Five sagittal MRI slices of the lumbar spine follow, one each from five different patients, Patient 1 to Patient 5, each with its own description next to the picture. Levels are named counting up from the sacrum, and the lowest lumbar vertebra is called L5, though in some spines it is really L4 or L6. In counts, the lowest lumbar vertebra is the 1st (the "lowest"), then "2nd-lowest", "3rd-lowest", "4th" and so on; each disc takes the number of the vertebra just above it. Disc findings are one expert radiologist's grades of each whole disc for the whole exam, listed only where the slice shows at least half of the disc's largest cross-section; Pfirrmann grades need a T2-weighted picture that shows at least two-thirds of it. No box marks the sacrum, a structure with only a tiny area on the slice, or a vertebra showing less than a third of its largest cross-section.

Patient 1 of 5:
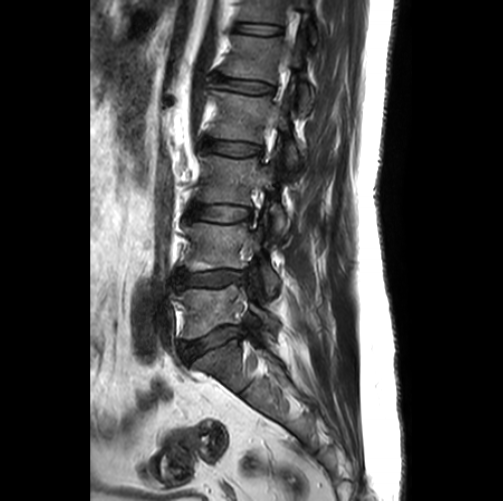 Image 503x501; Sagittal T2-weighted lumbar spine MRI; Sagittal slice index 9; Sex M
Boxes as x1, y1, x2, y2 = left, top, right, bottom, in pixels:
T12/L1 — 234, 23, 279, 34.
T12 vertebra — 239, 0, 317, 50.
IVD L4/L5 — 176, 270, 244, 288.
IVD L3/L4 — 187, 203, 251, 221.
L4 vertebra — 184, 213, 279, 295.
L5/S1 — 179, 327, 243, 364.
L1/L2 — 215, 75, 271, 93.
L2 — 210, 86, 301, 169.
L3 vertebra — 196, 151, 286, 235.
L2/L3 — 201, 139, 260, 156.
L1 vertebra — 222, 29, 315, 114.
L5 — 176, 281, 277, 338.

Degenerative findings by level:
  L2/L3: Pfirrmann grade 2
  L5/S1: Pfirrmann grade 3, disc bulging, disc narrowing
  L4/L5: Pfirrmann grade 3, disc narrowing, disc bulging, Modic type II, lower-endplate change, upper-endplate change
  T12/L1: Pfirrmann grade 1
  L1/L2: Pfirrmann grade 2
  L3/L4: Pfirrmann grade 2

Patient 2 of 5:
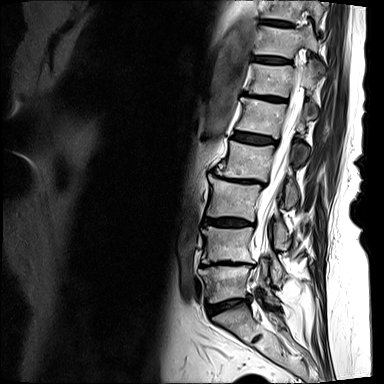 Lumbar spine MR, T2-weighted, sagittal | Slice spacing 4.8 mm

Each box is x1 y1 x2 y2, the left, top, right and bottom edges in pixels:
L1 vertebra: 236 97 309 159
T12 vertebra: 249 61 317 97
L5/S1: 206 296 250 315
L5: 199 265 277 302
IVD L2/L3: 223 178 256 182
IVD T12/L1: 246 93 284 100
T10 vertebra: 261 0 324 24
IVD L1/L2: 234 132 274 144
T10/T11: 262 20 291 25
IVD T11/T12: 254 57 289 63
L4/L5: 202 261 252 265
T11: 255 23 318 58
thecal sac / spinal canal: 254 79 301 259
L2 vertebra: 217 140 298 207
L4: 202 226 283 283
IVD L3/L4: 204 218 254 226
L3: 206 174 289 247

Per-level radiological findings:
  L2/L3: lower-endplate change, Modic type II, upper-endplate change, disc bulging, disc narrowing, spondylolisthesis
  L3/L4: Pfirrmann grade 4, lower-endplate change, disc bulging, upper-endplate change
  T11/T12: Pfirrmann grade 4
  L4/L5: Pfirrmann grade 5, disc narrowing, upper-endplate change, disc bulging, Modic type II, lower-endplate change
  T12/L1: Pfirrmann grade 5, upper-endplate change, lower-endplate change, Modic type II, disc narrowing, disc bulging
  L1/L2: Pfirrmann grade 4, lower-endplate change, disc bulging, upper-endplate change
  L5/S1: Pfirrmann grade 3, lower-endplate change, Modic type II, upper-endplate change, disc narrowing, disc bulging
  T10/T11: no herniation, bulging, narrowing, spondylolisthesis, endplate or Modic change recorded

Patient 3 of 5:
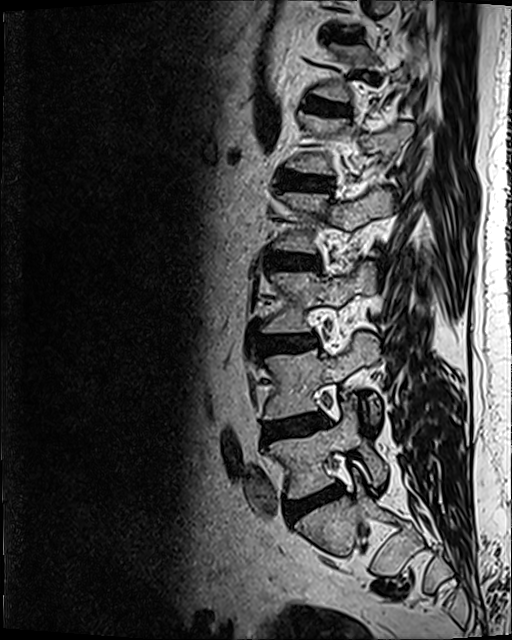 T2 SPACE (3D) sagittal MRI of the lumbar spine, 512x640 px
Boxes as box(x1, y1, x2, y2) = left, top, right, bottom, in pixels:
Structures:
* intervertebral disc L4/L5: box(264, 413, 327, 441)
* T11/T12: box(331, 34, 357, 40)
* L4 vertebra: box(261, 332, 379, 421)
* T12/L1: box(301, 98, 346, 114)
* L1/L2: box(277, 170, 332, 191)
* intervertebral disc L3/L4: box(255, 335, 314, 353)
* intervertebral disc L2/L3: box(268, 254, 317, 268)
* L5/S1: box(286, 486, 343, 520)
* L5 vertebra: box(269, 396, 387, 498)
* L3 vertebra: box(261, 262, 376, 333)
* L2: box(274, 189, 394, 252)

Radiological gradings:
- L3/L4: disc bulging, Modic type II
- L4/L5: disc bulging, Modic type II
- L1/L2: disc bulging
- T12/L1: no Modic or endplate change, herniation, narrowing, bulging or spondylolisthesis recorded

Patient 4 of 5:
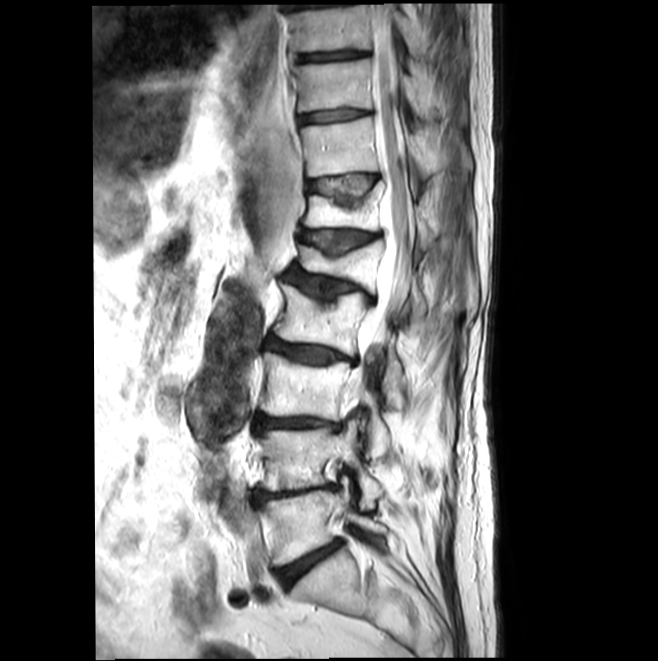

Lumbar spine MR, T2-weighted, sagittal | Sagittal slice index 8
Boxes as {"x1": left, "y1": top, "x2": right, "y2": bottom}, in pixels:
* 2nd-lowest disc at {"x1": 255, "y1": 485, "x2": 333, "y2": 503}
* 9th disc at {"x1": 296, "y1": 51, "x2": 366, "y2": 62}
* 7th disc at {"x1": 306, "y1": 175, "x2": 377, "y2": 201}
* 4th vertebra at {"x1": 273, "y1": 285, "x2": 400, "y2": 385}
* 7th vertebra at {"x1": 301, "y1": 117, "x2": 470, "y2": 176}
* lowest vertebra at {"x1": 261, "y1": 486, "x2": 386, "y2": 566}
* lowest disc at {"x1": 274, "y1": 541, "x2": 341, "y2": 588}
* 5th vertebra at {"x1": 293, "y1": 239, "x2": 424, "y2": 315}
* 2nd-lowest vertebra at {"x1": 260, "y1": 419, "x2": 382, "y2": 507}
* 6th vertebra at {"x1": 302, "y1": 182, "x2": 434, "y2": 248}
* 8th disc at {"x1": 297, "y1": 109, "x2": 368, "y2": 123}
* 3rd-lowest disc at {"x1": 255, "y1": 413, "x2": 340, "y2": 431}
* 3rd-lowest vertebra at {"x1": 260, "y1": 354, "x2": 390, "y2": 457}
* 5th disc at {"x1": 286, "y1": 270, "x2": 374, "y2": 299}
* 8th vertebra at {"x1": 292, "y1": 58, "x2": 465, "y2": 119}
* spinal canal at {"x1": 358, "y1": 6, "x2": 413, "y2": 390}
* 4th disc at {"x1": 265, "y1": 338, "x2": 353, "y2": 364}
* 9th vertebra at {"x1": 289, "y1": 5, "x2": 420, "y2": 54}
* 6th disc at {"x1": 300, "y1": 230, "x2": 378, "y2": 254}

Expert MSK radiologist gradings (per disc):
• 8th disc: Pfirrmann grade 1
• 9th disc: Pfirrmann grade 1
• 6th disc: Pfirrmann grade 3, upper-endplate change, disc narrowing, Modic type II
• 4th disc: Pfirrmann grade 3, upper-endplate change, Modic type II, disc narrowing, disc bulging
• 7th disc: Pfirrmann grade 2, upper-endplate change, Modic type II
• lowest disc: disc narrowing, Modic type II, disc bulging
• 5th disc: Pfirrmann grade 3, spondylolisthesis, disc bulging, upper-endplate change, disc narrowing, Modic type II
• 3rd-lowest disc: Pfirrmann grade 3, lower-endplate change, upper-endplate change, disc narrowing, Modic type II, disc bulging

Patient 5 of 5:
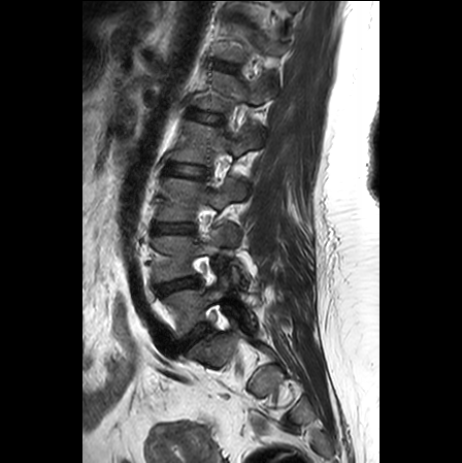 Sagittal slice index 17; Slice spacing 3.3 mm; Lumbar spine MR, T2-weighted, sagittal
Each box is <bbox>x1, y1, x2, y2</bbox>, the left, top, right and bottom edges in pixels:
{"lowest vertebra": "<bbox>164, 282, 253, 336</bbox>", "2nd-lowest disc": "<bbox>156, 276, 198, 294</bbox>", "2nd-lowest vertebra": "<bbox>153, 224, 238, 282</bbox>", "5th vertebra": "<bbox>196, 71, 276, 111</bbox>", "4th disc": "<bbox>166, 162, 208, 177</bbox>", "lowest disc": "<bbox>180, 323, 207, 350</bbox>", "6th vertebra": "<bbox>211, 24, 285, 61</bbox>", "3rd-lowest vertebra": "<bbox>157, 178, 245, 220</bbox>", "5th disc": "<bbox>188, 109, 221, 122</bbox>", "3rd-lowest disc": "<bbox>153, 223, 194, 233</bbox>", "6th disc": "<bbox>212, 59, 238, 71</bbox>", "4th vertebra": "<bbox>171, 121, 258, 165</bbox>"}

Expert MSK radiologist gradings (per disc):
- 3rd-lowest disc: Pfirrmann grade 1
- 2nd-lowest disc: disc narrowing, disc bulging
- 4th disc: Pfirrmann grade 1
- 5th disc, 6th disc: no herniation, bulging, narrowing, spondylolisthesis, endplate or Modic change recorded